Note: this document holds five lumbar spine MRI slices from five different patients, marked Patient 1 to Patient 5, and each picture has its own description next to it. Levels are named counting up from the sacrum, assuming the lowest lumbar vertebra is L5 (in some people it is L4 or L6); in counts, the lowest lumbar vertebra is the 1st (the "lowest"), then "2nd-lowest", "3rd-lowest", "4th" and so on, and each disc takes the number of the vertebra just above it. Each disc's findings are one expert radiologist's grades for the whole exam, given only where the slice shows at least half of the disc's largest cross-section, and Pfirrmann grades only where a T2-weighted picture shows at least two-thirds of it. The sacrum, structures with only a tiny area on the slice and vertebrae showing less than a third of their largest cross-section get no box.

Patient 1 of 5:
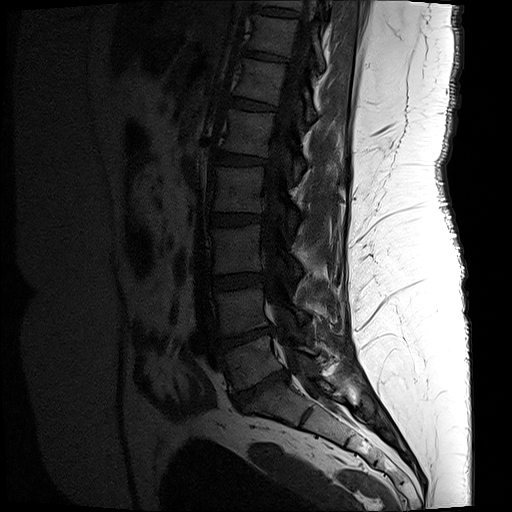 Patient sex: F; Sagittal T1-weighted lumbar spine MRI
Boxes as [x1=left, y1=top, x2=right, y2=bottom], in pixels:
Disc T11/T12 at [x1=244, y1=50, x2=286, y2=61], T11 vertebra at [x1=249, y1=15, x2=324, y2=71], L5 at [x1=218, y1=335, x2=331, y2=392], T12 at [x1=235, y1=59, x2=317, y2=123], L5/S1 at [x1=233, y1=371, x2=287, y2=408], L4 at [x1=215, y1=286, x2=308, y2=335], L2 at [x1=213, y1=167, x2=300, y2=236], L3 at [x1=211, y1=225, x2=302, y2=278], spinal canal at [x1=262, y1=0, x2=338, y2=409], T10 at [x1=255, y1=0, x2=330, y2=9], disc T12/L1 at [x1=231, y1=97, x2=273, y2=110], disc L2/L3 at [x1=210, y1=213, x2=261, y2=225], T10/T11 at [x1=253, y1=6, x2=297, y2=16], L1/L2 at [x1=215, y1=151, x2=266, y2=164], disc L4/L5 at [x1=216, y1=326, x2=276, y2=351], L3/L4 at [x1=212, y1=273, x2=264, y2=289], L1 at [x1=224, y1=108, x2=305, y2=180].

Radiological gradings:
  L5/S1: upper-endplate change, lower-endplate change, disc narrowing, disc herniation, Modic type II
  L1/L2: lower-endplate change
  T11/T12: lower-endplate change
  L4/L5: disc herniation, upper-endplate change, Modic type II, lower-endplate change, disc narrowing
  L2/L3: upper-endplate change, lower-endplate change
  L3/L4, T12/L1: no herniation, bulging, narrowing, spondylolisthesis, endplate or Modic change recorded

Patient 2 of 5:
Image 1092x1117 | Lumbar spine MR, T1-weighted, sagittal | Sex F 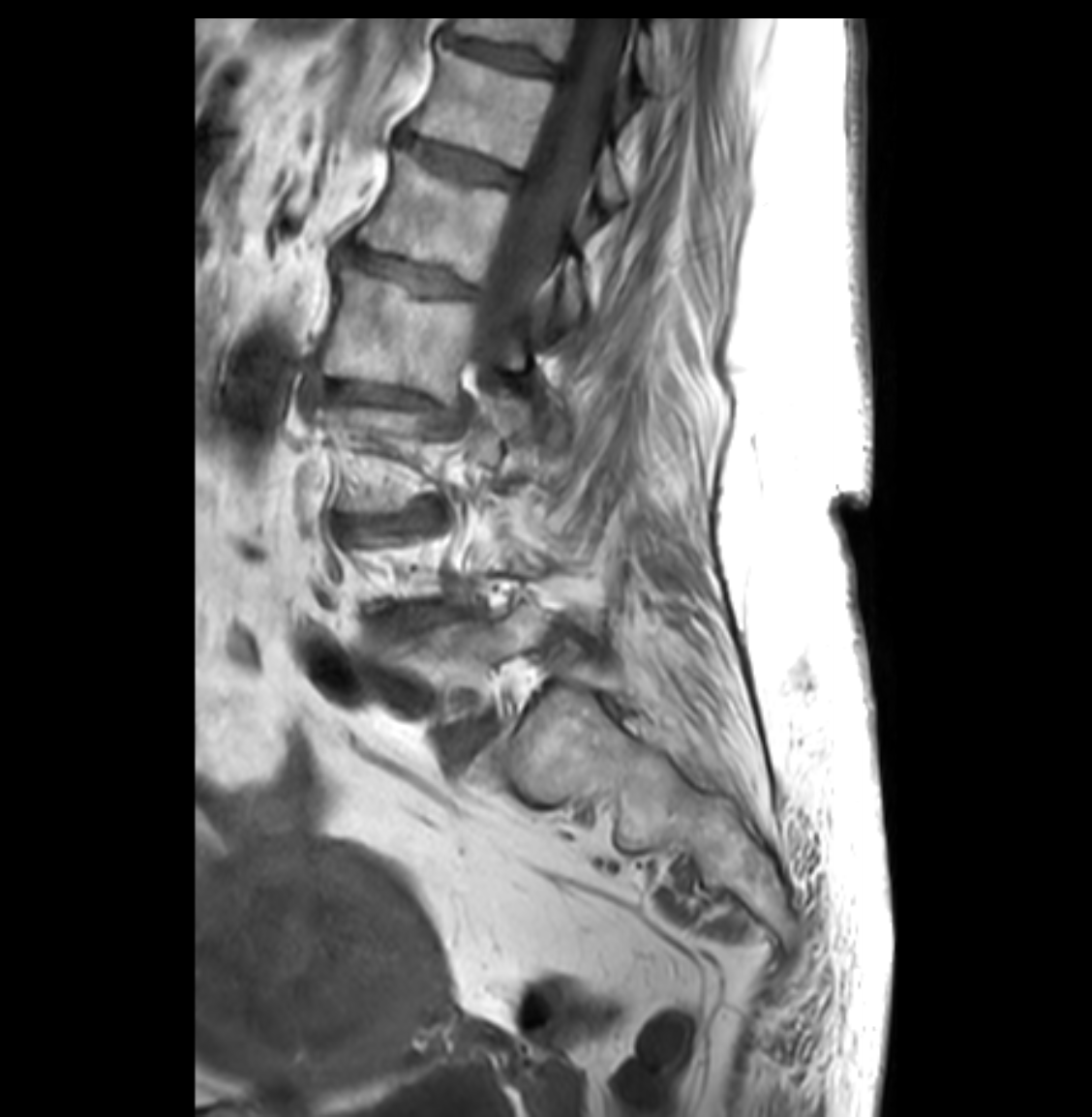
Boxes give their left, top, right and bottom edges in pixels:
{"5th vertebra": "left=358, top=153, right=582, bottom=327", "3rd-lowest vertebra": "left=315, top=399, right=531, bottom=512", "lowest vertebra": "left=385, top=600, right=553, bottom=721", "5th disc": "left=347, top=249, right=479, bottom=297", "7th disc": "left=453, top=40, right=553, bottom=75", "4th vertebra": "left=321, top=270, right=543, bottom=400", "3rd-lowest disc": "left=337, top=507, right=433, bottom=528", "7th vertebra": "left=453, top=19, right=662, bottom=86", "spinal canal": "left=488, top=19, right=625, bottom=334", "6th disc": "left=405, top=136, right=518, bottom=185", "6th vertebra": "left=412, top=49, right=623, bottom=210", "lowest disc": "left=453, top=722, right=489, bottom=758", "4th disc": "left=310, top=376, right=431, bottom=406", "2nd-lowest disc": "left=382, top=605, right=452, bottom=636"}

Expert MSK radiologist gradings (per disc):
- 6th disc: disc bulging, disc narrowing
- 4th disc: lower-endplate change, disc narrowing, upper-endplate change, disc bulging
- 7th disc: disc narrowing
- 5th disc: disc narrowing, upper-endplate change, lower-endplate change, disc bulging

Patient 3 of 5:
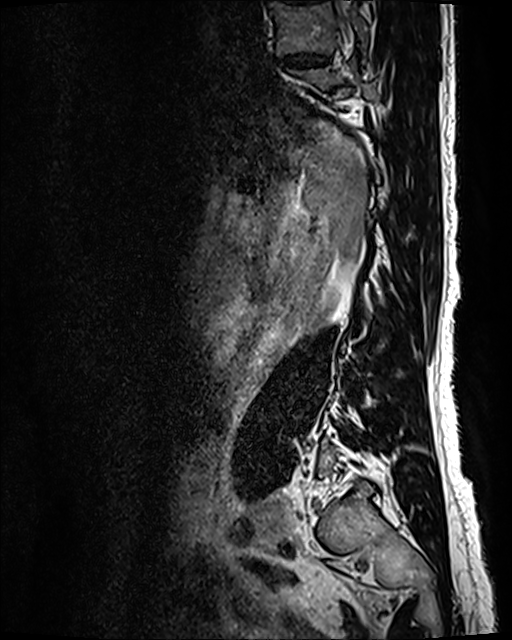

512x640 px, MRI lumbar spine (T2 SPACE (3D)), sagittal plane

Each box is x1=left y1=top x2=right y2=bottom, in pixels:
- 8th disc — x1=282 y1=54 x2=327 y2=68
- 8th vertebra — x1=270 y1=2 x2=367 y2=54

Per-level radiological findings:
- 8th disc: Pfirrmann grade 3, disc narrowing, disc bulging

Patient 4 of 5:
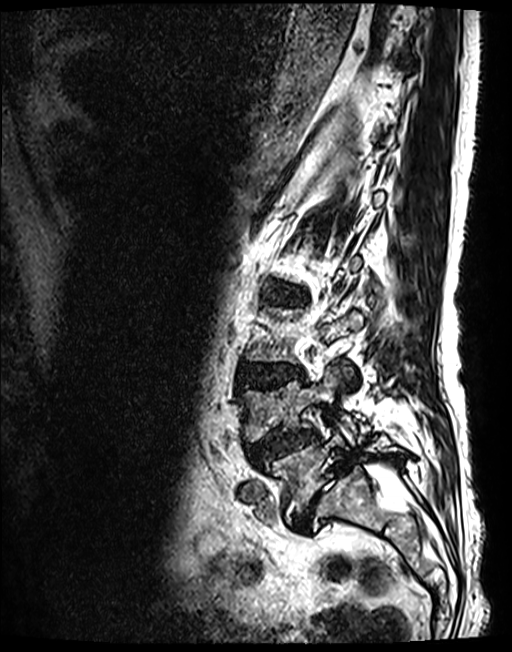 Image 512x652 | Patient sex: M | Lumbar spine MR, T2 SPACE (3D), sagittal
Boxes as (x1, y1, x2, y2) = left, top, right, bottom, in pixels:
L2/L3: (280, 289, 301, 303)
L3/L4: (240, 364, 302, 388)
IVD L4/L5: (248, 429, 315, 464)
L4 vertebra: (243, 368, 369, 441)
L5/S1: (292, 467, 348, 532)
L5 vertebra: (265, 431, 405, 521)

Degenerative findings by level:
- L4/L5: Pfirrmann grade 3, lower-endplate change, spondylolisthesis, upper-endplate change, disc narrowing, disc herniation
- L5/S1: disc herniation, Modic type II, spondylolisthesis, disc narrowing
- L3/L4: Pfirrmann grade 3, lower-endplate change, upper-endplate change, disc bulging

Patient 5 of 5:
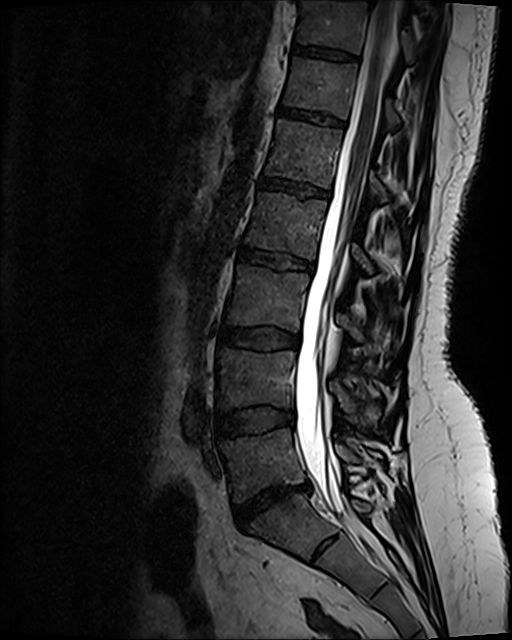 Sagittal T2 SPACE (3D) lumbar spine MRI

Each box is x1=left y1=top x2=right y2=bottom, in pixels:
T12 vertebra at x1=285 y1=59 x2=399 y2=127.
T11 at x1=298 y1=3 x2=415 y2=60.
L2 at x1=245 y1=193 x2=372 y2=272.
L4 at x1=219 y1=349 x2=380 y2=425.
L5 at x1=221 y1=429 x2=357 y2=501.
IVD L2/L3 at x1=238 y1=249 x2=314 y2=271.
L1 vertebra at x1=266 y1=120 x2=387 y2=201.
IVD L4/L5 at x1=216 y1=408 x2=293 y2=438.
L1/L2 at x1=261 y1=179 x2=328 y2=198.
Spinal canal at x1=296 y1=1 x2=395 y2=512.
T11/T12 at x1=293 y1=47 x2=355 y2=60.
T12/L1 at x1=278 y1=106 x2=343 y2=129.
IVD L5/S1 at x1=233 y1=485 x2=308 y2=528.
L3 at x1=227 y1=267 x2=365 y2=343.
L3/L4 at x1=221 y1=329 x2=298 y2=349.

Expert MSK radiologist gradings (per disc):
• L5/S1: Pfirrmann grade 1, disc narrowing, disc herniation, disc bulging
• L4/L5: Pfirrmann grade 2, disc bulging
• L1/L2: Pfirrmann grade 2, lower-endplate change, upper-endplate change
• L2/L3: Pfirrmann grade 4, upper-endplate change, lower-endplate change, disc bulging
• L3/L4: Pfirrmann grade 2, disc bulging
• T11/T12: Pfirrmann grade 2
• T12/L1: Pfirrmann grade 2, upper-endplate change, lower-endplate change